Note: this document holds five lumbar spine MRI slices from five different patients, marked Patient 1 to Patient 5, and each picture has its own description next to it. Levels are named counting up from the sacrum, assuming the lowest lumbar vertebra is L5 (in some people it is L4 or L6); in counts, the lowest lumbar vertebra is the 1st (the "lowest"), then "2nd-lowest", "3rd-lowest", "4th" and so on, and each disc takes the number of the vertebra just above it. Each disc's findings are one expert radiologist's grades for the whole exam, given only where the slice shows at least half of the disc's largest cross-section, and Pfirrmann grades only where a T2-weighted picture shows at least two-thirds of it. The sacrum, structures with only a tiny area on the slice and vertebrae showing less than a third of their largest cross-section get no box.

Patient 1 of 5:
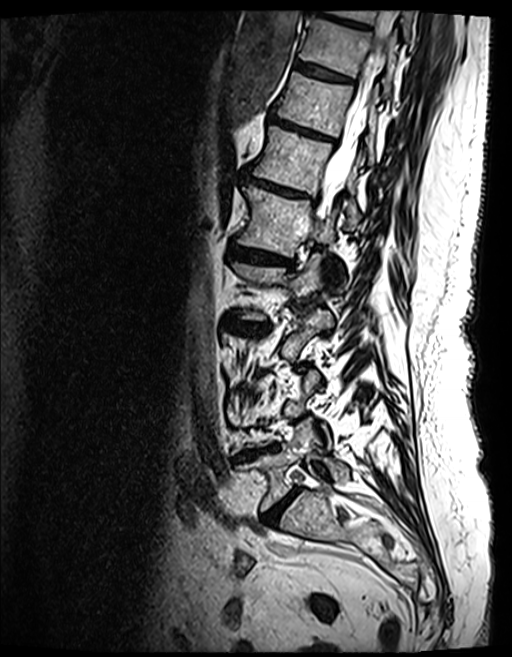

T2 SPACE (3D) sagittal MRI of the lumbar spine

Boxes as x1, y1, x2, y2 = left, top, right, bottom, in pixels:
{"intervertebral disc T11/T12": "269, 115, 330, 140", "T11 vertebra": "276, 73, 377, 164", "T10": "300, 17, 397, 96", "L5/S1": "264, 487, 299, 528", "L2/L3": "227, 320, 269, 335", "intervertebral disc L1/L2": "232, 245, 288, 263", "T9/T10": "309, 0, 368, 28", "L5": "239, 420, 349, 510", "T12": "251, 125, 358, 227", "T9": "328, 9, 414, 38", "intervertebral disc T10/T11": "295, 61, 349, 82", "T12/L1": "245, 175, 308, 197", "L1 vertebra": "239, 185, 343, 285", "L4/L5": "236, 450, 261, 459", "spinal canal": "313, 10, 397, 224", "L2 vertebra": "232, 254, 321, 320"}

Radiological gradings:
• T12/L1: Pfirrmann grade 4, disc narrowing, disc bulging, lower-endplate change, upper-endplate change, Modic type II
• T9/T10: Pfirrmann grade 4, disc bulging, upper-endplate change, lower-endplate change, Modic type II
• L2/L3: Modic type II, disc bulging, disc narrowing, lower-endplate change, upper-endplate change
• T11/T12: Pfirrmann grade 5, disc narrowing, upper-endplate change, lower-endplate change, Modic type II, disc bulging
• T10/T11: Pfirrmann grade 4, lower-endplate change, Modic type II, upper-endplate change
• L1/L2: Pfirrmann grade 4, Modic type II, upper-endplate change, disc bulging, disc narrowing, lower-endplate change

Patient 2 of 5:
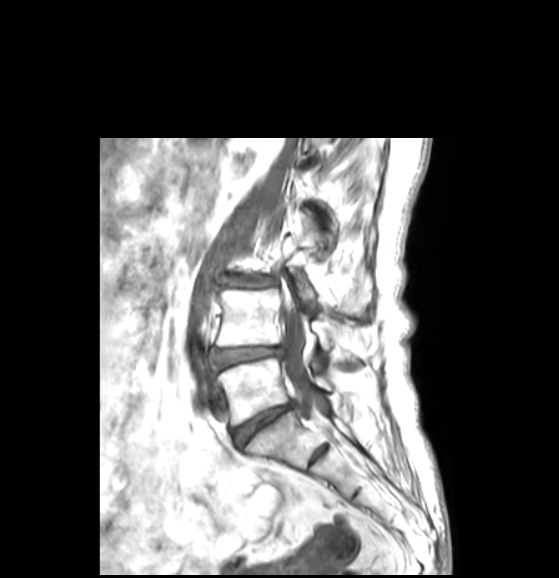 Sagittal T1-weighted lumbar spine MRI
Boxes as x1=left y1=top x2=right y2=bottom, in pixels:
IVD L3/L4 (3rd-lowest disc): x1=227 y1=277 x2=267 y2=286
L3 (3rd-lowest vertebra): x1=283 y1=215 x2=371 y2=314
L4 (2nd-lowest vertebra): x1=217 y1=288 x2=367 y2=351
L5 (lowest vertebra): x1=218 y1=358 x2=334 y2=424
thecal sac / spinal canal: x1=281 y1=301 x2=317 y2=418
L5/S1 (lowest disc): x1=232 y1=404 x2=291 y2=444
L4/L5 (2nd-lowest disc): x1=215 y1=347 x2=281 y2=368

Per-level radiological findings:
• L4/L5 (2nd-lowest disc): disc bulging
• L5/S1 (lowest disc): disc bulging, disc narrowing

Patient 3 of 5:
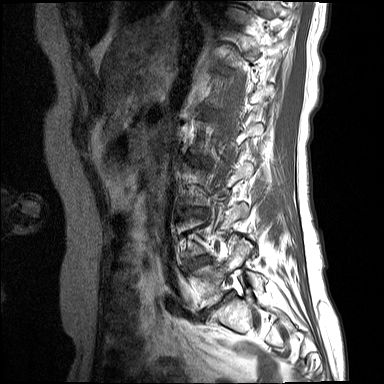 Lumbar spine MR, T1-weighted, sagittal, 384x384 px, Patient sex: F, Slice 3 of 15
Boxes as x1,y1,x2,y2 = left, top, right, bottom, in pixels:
Structures:
• L4/L5 at 189,257,209,266
• disc L5/S1 at 211,294,230,308
• L5 at 195,248,263,305

Patient 4 of 5:
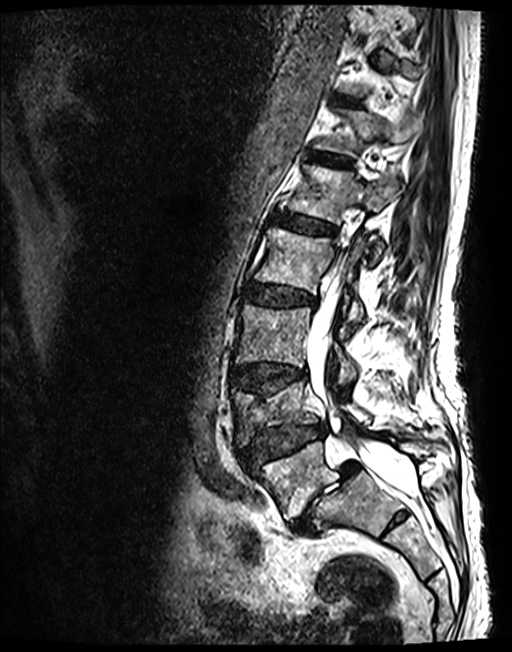 512x652 px. Patient sex: M. Slice 81 of 143. T2 SPACE (3D) sagittal MRI of the lumbar spine.

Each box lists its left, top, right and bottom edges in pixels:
T12/L1: left=308, top=152, right=352, bottom=166.
L3 vertebra: left=235, top=305, right=356, bottom=383.
T12 vertebra: left=316, top=111, right=421, bottom=156.
L1/L2: left=274, top=213, right=335, bottom=235.
Thecal sac / spinal canal: left=307, top=285, right=415, bottom=497.
L1 vertebra: left=289, top=165, right=401, bottom=260.
L4/L5: left=240, top=424, right=325, bottom=467.
L3/L4: left=231, top=364, right=306, bottom=395.
IVD L2/L3: left=247, top=284, right=315, bottom=306.
L5/S1: left=290, top=461, right=359, bottom=535.
L5: left=253, top=441, right=432, bottom=519.
L4 vertebra: left=231, top=383, right=371, bottom=446.
L2: left=254, top=228, right=364, bottom=328.

Expert MSK radiologist gradings (per disc):
- L1/L2: Pfirrmann grade 3
- L3/L4: Pfirrmann grade 3, lower-endplate change, disc bulging, upper-endplate change
- L5/S1: Pfirrmann grade 5, disc narrowing, Modic type II, spondylolisthesis, disc herniation
- L2/L3: Pfirrmann grade 3, disc bulging
- L4/L5: Pfirrmann grade 3, upper-endplate change, disc herniation, spondylolisthesis, lower-endplate change, disc narrowing

Patient 5 of 5:
Sagittal slice index 7; MRI lumbar spine (T2-weighted), sagittal plane 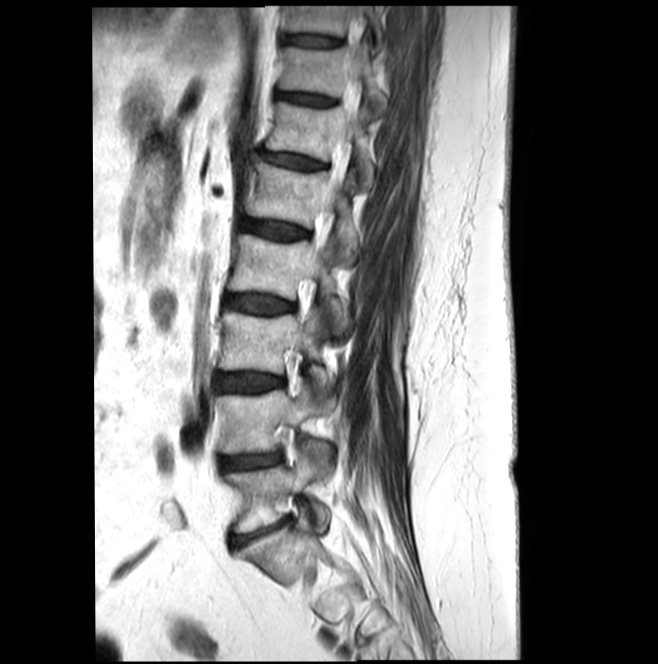 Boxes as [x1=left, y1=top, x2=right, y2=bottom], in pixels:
3rd-lowest disc: [x1=216, y1=373, x2=283, y2=391]
thecal sac / spinal canal: [x1=312, y1=6, x2=360, y2=259]
lowest disc: [x1=233, y1=520, x2=285, y2=543]
5th vertebra: [x1=247, y1=162, x2=356, y2=261]
3rd-lowest vertebra: [x1=219, y1=308, x2=332, y2=394]
8th vertebra: [x1=284, y1=6, x2=378, y2=36]
lowest vertebra: [x1=225, y1=450, x2=329, y2=531]
4th disc: [x1=224, y1=294, x2=294, y2=313]
6th disc: [x1=260, y1=152, x2=323, y2=170]
6th vertebra: [x1=265, y1=101, x2=373, y2=183]
2nd-lowest vertebra: [x1=218, y1=389, x2=329, y2=460]
5th disc: [x1=241, y1=217, x2=308, y2=240]
7th vertebra: [x1=279, y1=46, x2=385, y2=106]
4th vertebra: [x1=228, y1=235, x2=346, y2=330]
8th disc: [x1=284, y1=34, x2=340, y2=47]
2nd-lowest disc: [x1=222, y1=453, x2=281, y2=469]
7th disc: [x1=277, y1=91, x2=332, y2=106]

Expert MSK radiologist gradings (per disc):
• 5th disc: Pfirrmann grade 3
• 7th disc: Pfirrmann grade 3
• 2nd-lowest disc: disc narrowing
• 8th disc: Pfirrmann grade 3
• 6th disc: Pfirrmann grade 3, disc bulging
• 3rd-lowest disc: Pfirrmann grade 3, Modic type II
• 4th disc: Pfirrmann grade 3